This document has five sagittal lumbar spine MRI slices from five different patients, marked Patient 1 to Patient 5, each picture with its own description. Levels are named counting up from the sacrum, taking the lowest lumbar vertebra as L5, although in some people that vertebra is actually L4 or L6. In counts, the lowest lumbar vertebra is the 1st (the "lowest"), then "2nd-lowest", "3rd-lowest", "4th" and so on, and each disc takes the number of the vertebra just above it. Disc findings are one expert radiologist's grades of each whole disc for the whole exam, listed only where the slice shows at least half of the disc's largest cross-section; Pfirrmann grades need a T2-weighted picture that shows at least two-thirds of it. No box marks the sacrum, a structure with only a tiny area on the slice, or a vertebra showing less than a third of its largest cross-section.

Patient 1 of 5:
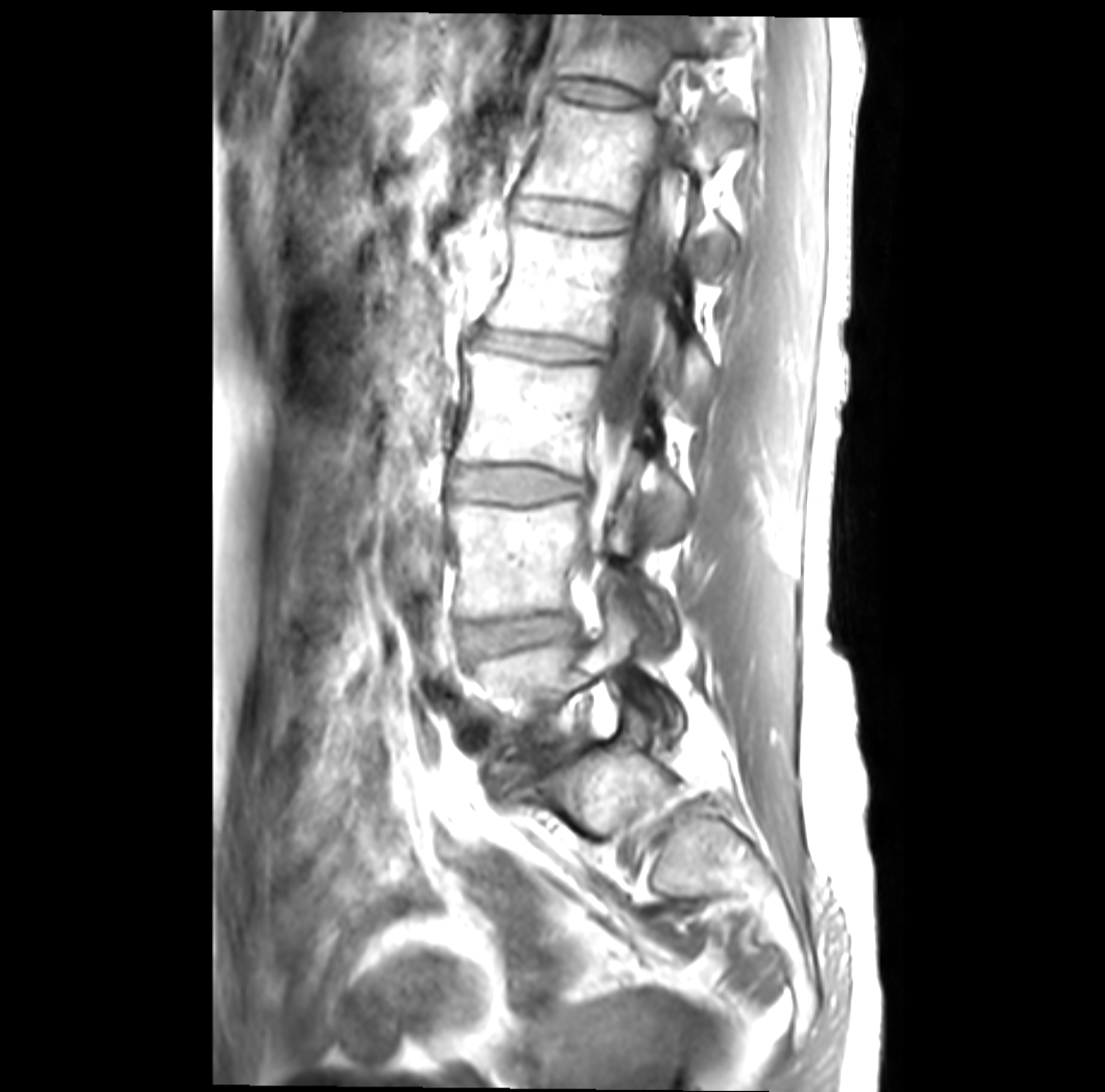 Slice 25 of 41; T1-weighted sagittal MRI of the lumbar spine; Sex F; Slice spacing 3.4 mm; 1105x1092 px
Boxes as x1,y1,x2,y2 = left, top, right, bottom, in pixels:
4th disc: 474,329,605,361
lowest vertebra: 471,601,678,769
4th vertebra: 487,224,713,396
2nd-lowest disc: 463,616,571,649
5th disc: 516,198,625,232
lowest disc: 509,744,576,780
6th disc: 553,79,642,110
5th vertebra: 519,96,732,270
6th vertebra: 558,15,742,136
2nd-lowest vertebra: 448,500,672,631
3rd-lowest vertebra: 456,344,687,532
thecal sac / spinal canal: 590,126,684,547
3rd-lowest disc: 455,467,581,502

Expert MSK radiologist gradings (per disc):
- 2nd-lowest disc: Modic type II, disc bulging
- 3rd-lowest disc: disc bulging, Modic type II
- 4th disc: Modic type II, disc bulging, disc narrowing
- 5th disc, 6th disc: no Modic or endplate change, herniation, narrowing, bulging or spondylolisthesis recorded

Patient 2 of 5:
448x450 px, Lumbar spine MR, T1-weighted, sagittal 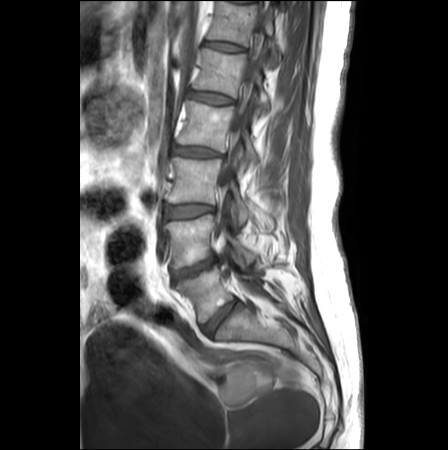 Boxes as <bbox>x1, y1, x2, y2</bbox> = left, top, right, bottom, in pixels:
4th disc at <bbox>173, 146, 220, 156</bbox>.
Lowest disc at <bbox>202, 300, 238, 334</bbox>.
6th disc at <bbox>206, 41, 243, 51</bbox>.
5th disc at <bbox>189, 92, 232, 104</bbox>.
3rd-lowest disc at <bbox>166, 205, 212, 218</bbox>.
5th vertebra at <bbox>195, 49, 270, 112</bbox>.
6th vertebra at <bbox>208, 1, 281, 64</bbox>.
2nd-lowest disc at <bbox>173, 258, 218, 279</bbox>.
3rd-lowest vertebra at <bbox>168, 157, 249, 227</bbox>.
4th vertebra at <bbox>177, 100, 258, 164</bbox>.
Spinal canal at <bbox>216, 1, 268, 238</bbox>.
2nd-lowest vertebra at <bbox>163, 215, 255, 269</bbox>.
Lowest vertebra at <bbox>176, 265, 260, 322</bbox>.

Per-level radiological findings:
• 2nd-lowest disc: upper-endplate change, disc herniation, disc narrowing, lower-endplate change, Modic type II
• 3rd-lowest disc: disc bulging
• 4th disc: disc bulging
• lowest disc, 6th disc, 5th disc: no Modic or endplate change, herniation, narrowing, bulging or spondylolisthesis recorded

Patient 3 of 5:
Scanner: SIEMENS Avanto_fit (1.5T). Sagittal T2 SPACE (3D) lumbar spine MRI. Slice 80 of 120. 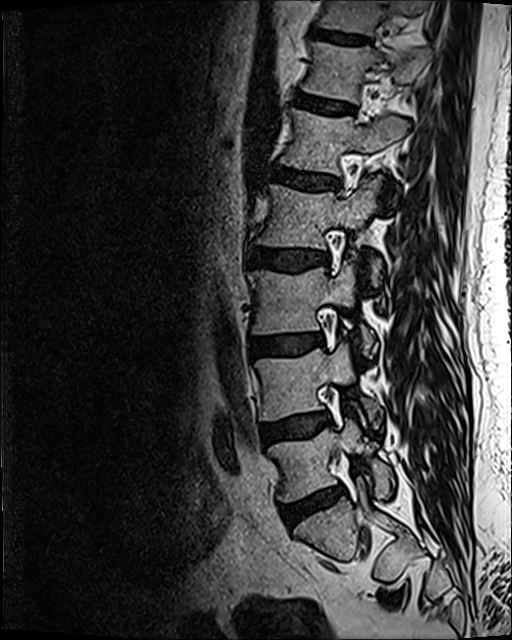
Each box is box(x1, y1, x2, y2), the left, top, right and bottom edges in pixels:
{"L2/L3": "box(252, 247, 327, 272)", "disc L4/L5": "box(259, 412, 327, 446)", "T11/T12": "box(313, 30, 367, 45)", "L5 vertebra": "box(269, 419, 392, 501)", "L1 vertebra": "box(280, 109, 409, 174)", "disc L5/S1": "box(281, 487, 343, 527)", "L4 vertebra": "box(255, 344, 379, 421)", "T11": "box(317, 0, 427, 35)", "L2 vertebra": "box(257, 176, 382, 285)", "L3/L4": "box(251, 333, 322, 355)", "disc L1/L2": "box(273, 165, 337, 190)", "L3": "box(252, 260, 374, 356)", "disc T12/L1": "box(294, 95, 353, 113)", "T12": "box(303, 41, 429, 103)"}

Degenerative findings by level:
  L1/L2: Pfirrmann grade 3, disc bulging
  L2/L3: Pfirrmann grade 3, disc bulging
  L3/L4: Pfirrmann grade 2, disc bulging, Modic type II
  L4/L5: Pfirrmann grade 2, Modic type II, disc bulging
  T12/L1: Pfirrmann grade 2
  L5/S1: disc bulging, disc narrowing, Modic type II
  T11/T12: no spondylolisthesis, narrowing, bulging, herniation, Modic or endplate change recorded

Patient 4 of 5:
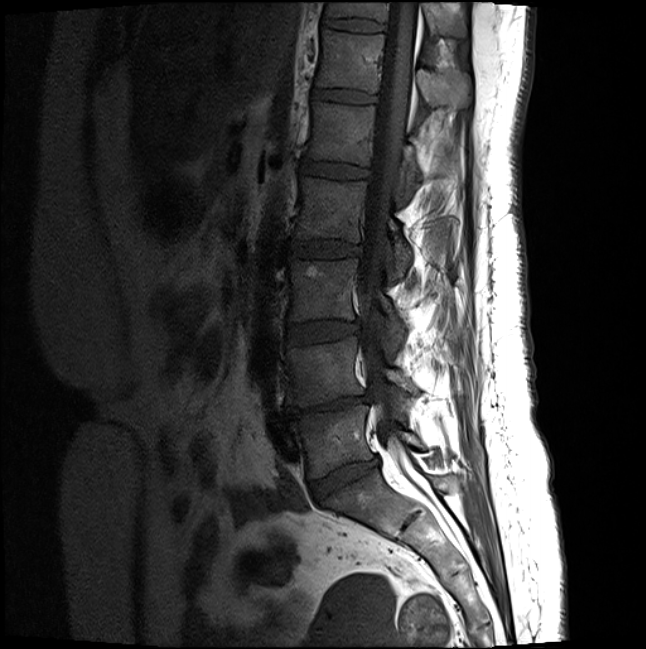

Lumbar spine MR, T1-weighted, sagittal; Slice spacing 3.3 mm

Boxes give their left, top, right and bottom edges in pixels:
7th vertebra at left=325, top=1, right=466, bottom=35; 4th vertebra at left=294, top=175, right=413, bottom=276; 5th disc at left=300, top=159, right=369, bottom=176; spinal canal at left=358, top=0, right=418, bottom=460; lowest vertebra at left=290, top=405, right=424, bottom=478; 5th vertebra at left=306, top=100, right=421, bottom=193; 3rd-lowest disc at left=286, top=321, right=358, bottom=343; 3rd-lowest vertebra at left=288, top=257, right=408, bottom=347; 7th disc at left=323, top=17, right=386, bottom=30; 2nd-lowest vertebra at left=286, top=336, right=418, bottom=405; lowest disc at left=310, top=458, right=379, bottom=502; 4th disc at left=288, top=239, right=360, bottom=256; 2nd-lowest disc at left=286, top=394, right=369, bottom=417; 6th vertebra at left=317, top=29, right=471, bottom=107; 6th disc at left=313, top=87, right=377, bottom=101.

Degenerative findings by level:
  2nd-lowest disc: disc bulging, disc narrowing, Modic type II, upper-endplate change, lower-endplate change
  lowest disc: disc bulging, disc narrowing
  3rd-lowest disc, 5th disc, 7th disc, 6th disc, 4th disc: no herniation, bulging, narrowing, spondylolisthesis, endplate or Modic change recorded

Patient 5 of 5:
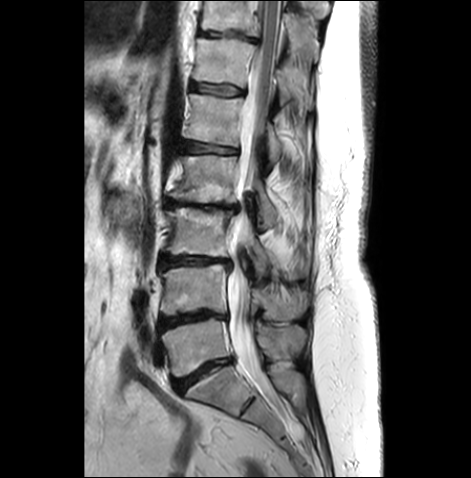

Image 471x478; Lumbar spine MR, T2-weighted, sagittal; Sex F; Sagittal slice index 12

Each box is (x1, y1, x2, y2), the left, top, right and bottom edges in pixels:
T12 vertebra at (194, 38, 313, 109), disc L3/L4 at (159, 255, 231, 271), disc L5/S1 at (173, 359, 230, 392), T11 at (201, 1, 318, 57), disc L4/L5 at (159, 311, 225, 329), thecal sac / spinal canal at (227, 1, 280, 387), L4 at (161, 264, 308, 319), disc L2/L3 at (166, 199, 238, 210), disc T12/L1 at (192, 83, 242, 95), L5 at (161, 318, 305, 376), L2 vertebra at (169, 155, 276, 227), disc L1/L2 at (180, 141, 236, 153), L1 at (184, 94, 281, 162), T11/T12 at (199, 32, 256, 41), L3 vertebra at (165, 208, 307, 278).

Degenerative findings by level:
  L4/L5: Pfirrmann grade 4, disc bulging, disc narrowing, upper-endplate change, Modic type II, lower-endplate change
  L5/S1: Pfirrmann grade 4, Modic type II, disc bulging, disc narrowing
  L3/L4: Pfirrmann grade 4, Modic type II, disc bulging, disc narrowing
  T11/T12: Pfirrmann grade 3, disc bulging, lower-endplate change, upper-endplate change
  L1/L2: Pfirrmann grade 3, upper-endplate change, lower-endplate change, Modic type II, disc bulging
  T12/L1: Pfirrmann grade 3, disc bulging, upper-endplate change, lower-endplate change
  L2/L3: upper-endplate change, disc narrowing, lower-endplate change, disc bulging, Modic type II